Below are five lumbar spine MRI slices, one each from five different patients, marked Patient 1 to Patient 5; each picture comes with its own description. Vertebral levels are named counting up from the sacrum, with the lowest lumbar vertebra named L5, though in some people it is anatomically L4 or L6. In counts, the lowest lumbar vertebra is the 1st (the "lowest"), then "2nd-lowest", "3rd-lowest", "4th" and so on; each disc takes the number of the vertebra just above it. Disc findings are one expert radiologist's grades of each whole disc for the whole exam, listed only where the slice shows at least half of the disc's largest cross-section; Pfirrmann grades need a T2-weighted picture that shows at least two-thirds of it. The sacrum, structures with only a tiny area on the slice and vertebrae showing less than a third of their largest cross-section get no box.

Patient 1 of 5:
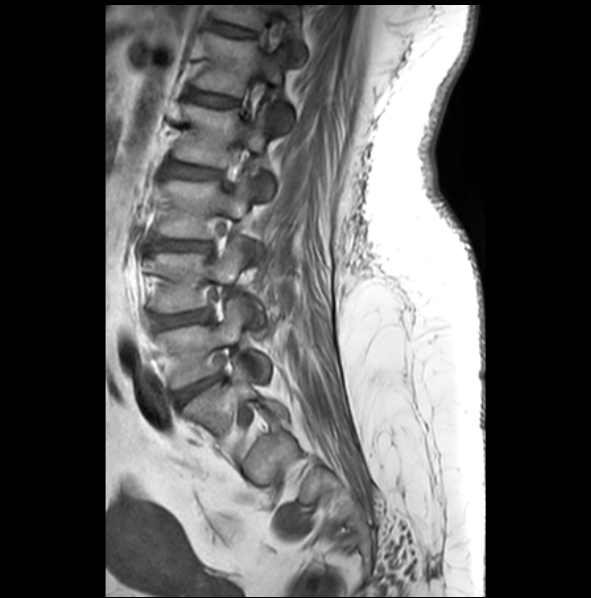

T1-weighted sagittal MRI of the lumbar spine
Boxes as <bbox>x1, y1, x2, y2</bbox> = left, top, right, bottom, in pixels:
T12 (6th vertebra): <bbox>214, 5, 305, 58</bbox>.
L4/L5 (2nd-lowest disc): <bbox>152, 308, 213, 330</bbox>.
L4 (2nd-lowest vertebra): <bbox>149, 237, 266, 316</bbox>.
L2 (4th vertebra): <bbox>173, 103, 274, 199</bbox>.
Intervertebral disc L5/S1 (lowest disc): <bbox>174, 372, 225, 404</bbox>.
L5 (lowest vertebra): <bbox>157, 296, 271, 388</bbox>.
L3/L4 (3rd-lowest disc): <bbox>154, 239, 210, 250</bbox>.
Intervertebral disc T12/L1 (6th disc): <bbox>211, 21, 254, 36</bbox>.
Intervertebral disc L2/L3 (4th disc): <bbox>168, 161, 219, 178</bbox>.
L3 (3rd-lowest vertebra): <bbox>157, 173, 263, 261</bbox>.
L1 (5th vertebra): <bbox>193, 32, 292, 131</bbox>.
Intervertebral disc L1/L2 (5th disc): <bbox>187, 88, 237, 107</bbox>.

Expert MSK radiologist gradings (per disc):
  L4/L5 (2nd-lowest disc): disc bulging
  L3/L4 (3rd-lowest disc): Modic type II, upper-endplate change, disc narrowing, lower-endplate change, disc bulging
  L1/L2 (5th disc), L2/L3 (4th disc), T12/L1 (6th disc): no spondylolisthesis, narrowing, bulging, herniation, Modic or endplate change recorded

Patient 2 of 5:
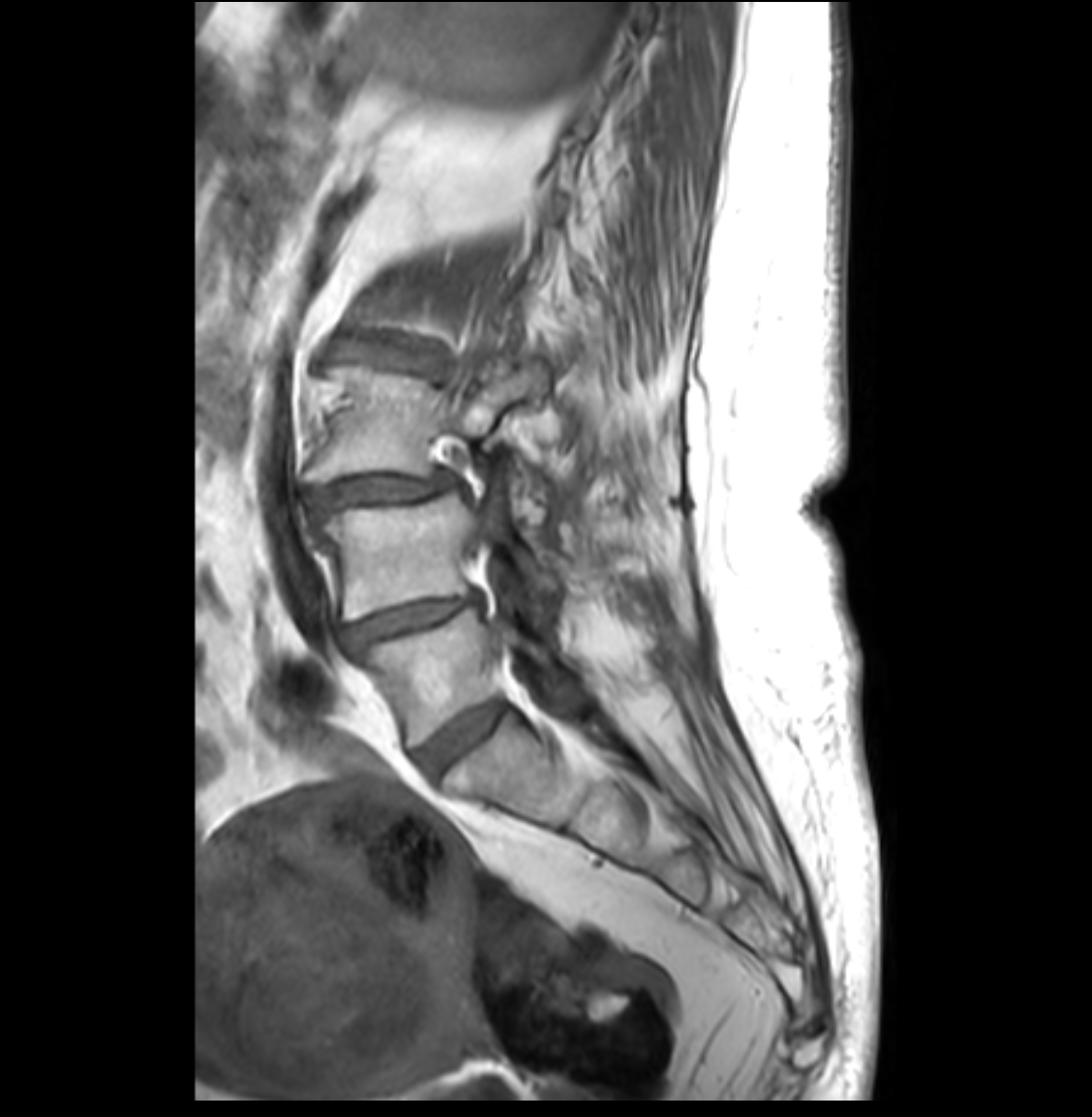
Slice 12 of 33, T1-weighted sagittal MRI of the lumbar spine, 1092x1117 px
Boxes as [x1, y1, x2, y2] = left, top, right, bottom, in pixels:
Thecal sac / spinal canal at [475, 520, 497, 567], L3 (3rd-lowest vertebra) at [307, 366, 545, 482], L5/S1 (lowest disc) at [419, 702, 506, 774], L3/L4 (3rd-lowest disc) at [310, 473, 452, 515], L4 (2nd-lowest vertebra) at [317, 492, 560, 620], L4/L5 (2nd-lowest disc) at [344, 595, 477, 646], L5 (lowest vertebra) at [361, 608, 555, 746].

Degenerative findings by level:
  L3/L4 (3rd-lowest disc): disc bulging, disc narrowing, spondylolisthesis
  L4/L5 (2nd-lowest disc): disc narrowing, disc bulging
  L5/S1 (lowest disc): no Modic or endplate change, herniation, narrowing, bulging or spondylolisthesis recorded

Patient 3 of 5:
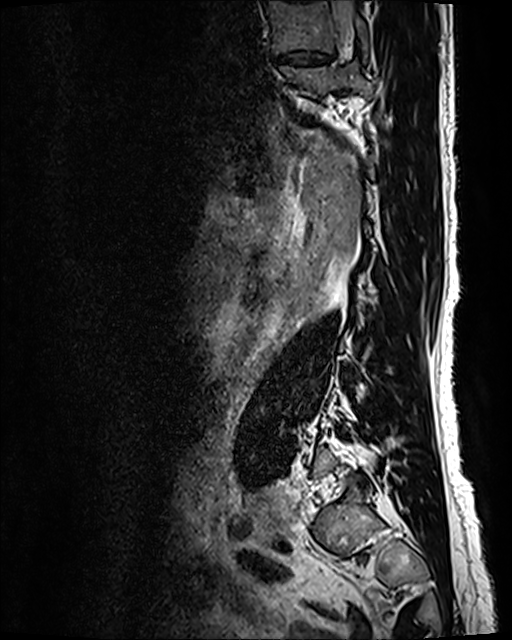 Slice 103 of 120, 512x640 px, Sagittal T2 SPACE (3D) lumbar spine MRI

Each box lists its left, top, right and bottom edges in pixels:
Thecal sac / spinal canal: left=332, top=2, right=354, bottom=26.
T10/T11: left=274, top=51, right=332, bottom=65.
T11 vertebra: left=281, top=61, right=376, bottom=97.
T10: left=267, top=2, right=368, bottom=57.

Degenerative findings by level:
  T10/T11: Pfirrmann grade 3, disc bulging, disc narrowing

Patient 4 of 5:
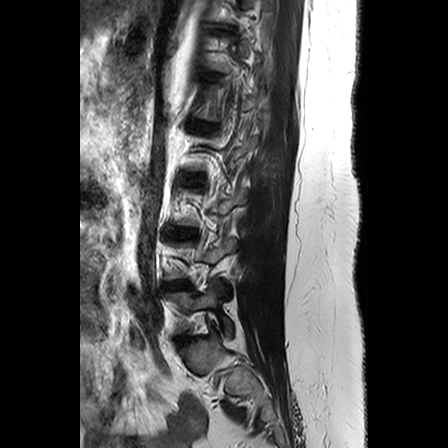 Patient sex: F. MRI lumbar spine (T2-weighted), sagittal plane.
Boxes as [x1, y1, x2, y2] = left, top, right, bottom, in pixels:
L4/L5: [165, 281, 187, 289]
L5 vertebra: [166, 282, 234, 335]
L3/L4: [168, 229, 197, 238]
L5/S1: [177, 336, 187, 343]
IVD L2/L3: [179, 174, 204, 184]

Patient 5 of 5:
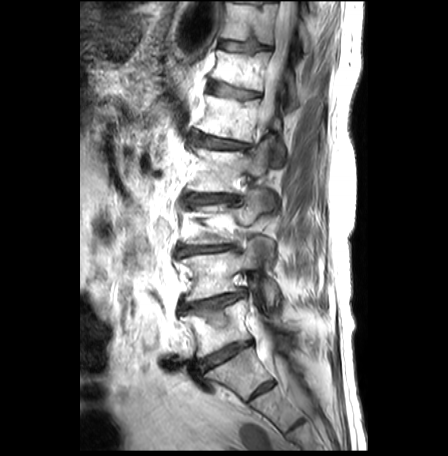 Lumbar spine MR, T2-weighted, sagittal
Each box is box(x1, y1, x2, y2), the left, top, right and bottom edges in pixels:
IVD L5/S1 (lowest disc) = box(198, 342, 251, 371).
L1 (5th vertebra) = box(197, 95, 284, 166).
L2/L3 (4th disc) = box(186, 195, 239, 203).
IVD T11/T12 (7th disc) = box(219, 39, 271, 51).
IVD L1/L2 (5th disc) = box(193, 133, 249, 149).
L5 (lowest vertebra) = box(181, 300, 298, 357).
IVD T12/L1 (6th disc) = box(208, 80, 260, 97).
L3 (3rd-lowest vertebra) = box(185, 192, 275, 267).
T12 (6th vertebra) = box(211, 50, 298, 109).
L2 (4th vertebra) = box(188, 140, 278, 211).
L4/L5 (2nd-lowest disc) = box(180, 291, 246, 326).
T11 (7th vertebra) = box(221, 1, 313, 51).
L4 (2nd-lowest vertebra) = box(179, 240, 279, 305).
IVD L3/L4 (3rd-lowest disc) = box(176, 245, 232, 255).
Spinal canal = box(251, 1, 293, 387).

Degenerative findings by level:
  L5/S1 (lowest disc): Pfirrmann grade 5, Modic type II, disc narrowing, disc bulging
  T11/T12 (7th disc): Pfirrmann grade 1, Modic type II, lower-endplate change, upper-endplate change
  T12/L1 (6th disc): Pfirrmann grade 3, lower-endplate change, upper-endplate change, disc bulging, Modic type II
  L1/L2 (5th disc): Pfirrmann grade 3, lower-endplate change, Modic type II, upper-endplate change, disc bulging
  L4/L5 (2nd-lowest disc): Pfirrmann grade 2, lower-endplate change, Modic type II, disc bulging, upper-endplate change